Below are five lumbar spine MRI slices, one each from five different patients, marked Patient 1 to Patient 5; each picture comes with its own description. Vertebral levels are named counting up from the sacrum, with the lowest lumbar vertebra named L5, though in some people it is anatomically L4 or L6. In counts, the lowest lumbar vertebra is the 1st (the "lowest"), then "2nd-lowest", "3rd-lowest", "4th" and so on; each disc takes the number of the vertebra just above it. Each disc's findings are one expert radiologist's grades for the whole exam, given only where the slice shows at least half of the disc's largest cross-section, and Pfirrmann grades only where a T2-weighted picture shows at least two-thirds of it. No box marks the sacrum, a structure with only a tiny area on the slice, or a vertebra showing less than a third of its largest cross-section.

Patient 1 of 5:
Sex F. MRI lumbar spine (T2-weighted), sagittal plane. Slice 8 of 15. 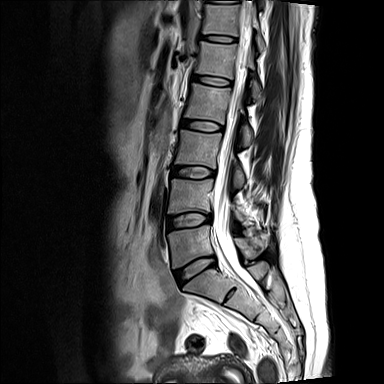

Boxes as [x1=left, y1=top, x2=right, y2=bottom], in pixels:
L5 (lowest vertebra) at [x1=168, y1=225, x2=264, y2=268], L4 (2nd-lowest vertebra) at [x1=168, y1=179, x2=248, y2=224], L3 (3rd-lowest vertebra) at [x1=175, y1=130, x2=244, y2=186], L1 (5th vertebra) at [x1=195, y1=41, x2=260, y2=97], spinal canal at [x1=212, y1=6, x2=259, y2=294], L5/S1 (lowest disc) at [x1=174, y1=256, x2=214, y2=284], disc L3/L4 (3rd-lowest disc) at [x1=173, y1=166, x2=214, y2=178], L1/L2 (5th disc) at [x1=193, y1=76, x2=230, y2=85], L2 (4th vertebra) at [x1=184, y1=83, x2=252, y2=145], disc L2/L3 (4th disc) at [x1=181, y1=120, x2=222, y2=131], L4/L5 (2nd-lowest disc) at [x1=168, y1=213, x2=211, y2=228], T12 (6th vertebra) at [x1=203, y1=5, x2=265, y2=50], disc T12/L1 (6th disc) at [x1=201, y1=35, x2=235, y2=42].

Expert MSK radiologist gradings (per disc):
• L2/L3 (4th disc): Pfirrmann grade 1
• L4/L5 (2nd-lowest disc): Pfirrmann grade 2, Modic type II, disc bulging
• L3/L4 (3rd-lowest disc): Pfirrmann grade 1
• L1/L2 (5th disc): Pfirrmann grade 1
• L5/S1 (lowest disc): Pfirrmann grade 1, disc bulging
• T12/L1 (6th disc): Pfirrmann grade 1

Patient 2 of 5:
Image 512x640, Sex M, Lumbar spine MR, T2 SPACE (3D), sagittal

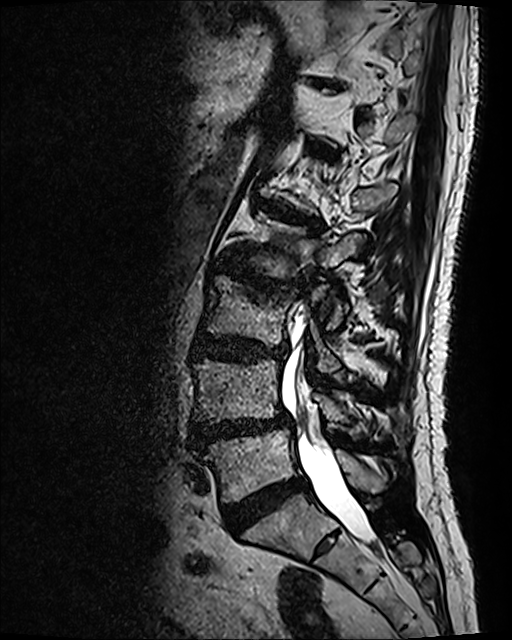

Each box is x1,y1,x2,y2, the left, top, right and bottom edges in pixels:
5th disc = 259,200,322,229 | 2nd-lowest vertebra = 192,358,368,432 | lowest disc = 223,474,308,530 | 3rd-lowest vertebra = 204,276,340,371 | 3rd-lowest disc = 193,334,286,361 | 4th vertebra = 244,211,362,328 | spinal canal = 281,316,375,543 | 2nd-lowest disc = 190,412,291,448 | lowest vertebra = 201,428,385,501 | 6th disc = 315,146,329,154 | 4th disc = 219,261,299,289

Radiological gradings:
- lowest disc: Pfirrmann grade 4
- 2nd-lowest disc: Pfirrmann grade 4, disc bulging, Modic type II, disc herniation, disc narrowing, upper-endplate change, lower-endplate change, spondylolisthesis
- 3rd-lowest disc: Pfirrmann grade 4, upper-endplate change, lower-endplate change, disc bulging
- 4th disc: lower-endplate change, disc bulging, upper-endplate change, Modic type I, disc narrowing
- 5th disc: Modic type II, disc bulging, upper-endplate change, lower-endplate change

Patient 3 of 5:
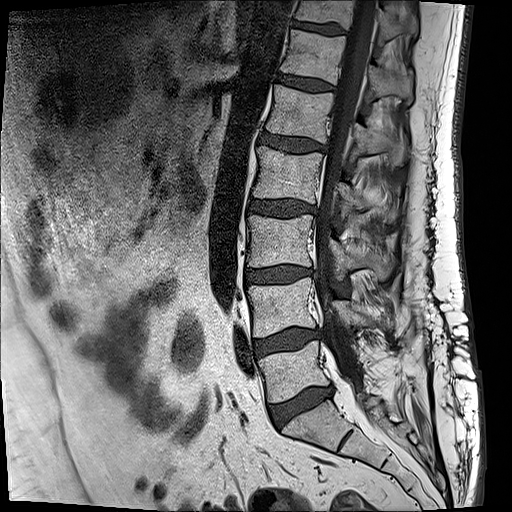 Image 512x512, MRI lumbar spine (T1-weighted), sagittal plane

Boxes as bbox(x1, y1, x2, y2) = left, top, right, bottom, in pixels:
L2: bbox(253, 146, 403, 223)
L5/S1: bbox(270, 387, 331, 425)
L5 vertebra: bbox(259, 339, 398, 402)
disc T11/T12: bbox(292, 19, 343, 34)
disc T12/L1: bbox(278, 75, 333, 90)
T11 vertebra: bbox(293, 0, 417, 43)
L2/L3: bbox(249, 198, 314, 217)
disc L1/L2: bbox(256, 131, 322, 152)
spinal canal: bbox(307, 0, 375, 395)
L3 vertebra: bbox(247, 214, 394, 279)
L1: bbox(266, 84, 407, 167)
disc L4/L5: bbox(254, 328, 317, 355)
L3/L4: bbox(246, 265, 309, 283)
L4: bbox(247, 278, 374, 337)
T12: bbox(280, 30, 413, 104)

Degenerative findings by level:
  L3/L4: Modic type II, disc bulging
  L4/L5: disc bulging, Modic type II
  L1/L2: disc bulging
  L5/S1: Modic type II, disc bulging, disc narrowing
  L2/L3: disc bulging
  T12/L1, T11/T12: no spondylolisthesis, narrowing, bulging, herniation, Modic or endplate change recorded

Patient 4 of 5:
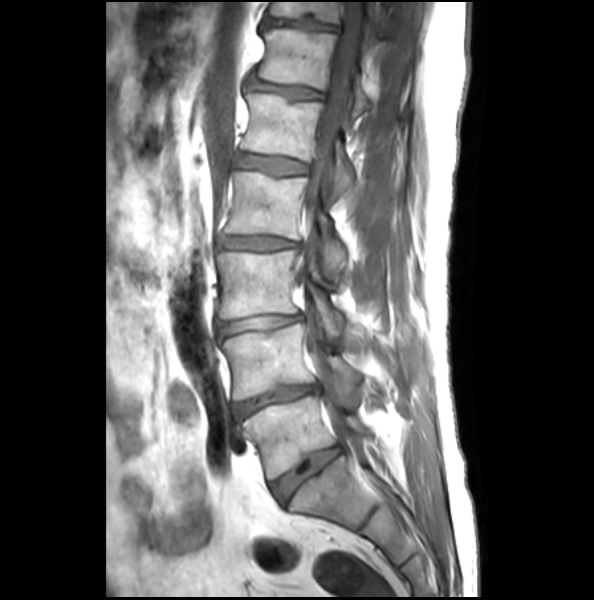 T1-weighted sagittal MRI of the lumbar spine; Slice 13 of 28

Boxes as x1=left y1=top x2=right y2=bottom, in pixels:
T12 vertebra: x1=257 y1=29 x2=372 y2=114.
L4: x1=221 y1=324 x2=365 y2=401.
L1 vertebra: x1=241 y1=94 x2=354 y2=199.
Thecal sac / spinal canal: x1=296 y1=3 x2=365 y2=440.
L3/L4: x1=219 y1=314 x2=301 y2=336.
L5 vertebra: x1=241 y1=395 x2=376 y2=480.
IVD L5/S1: x1=272 y1=446 x2=341 y2=503.
IVD L1/L2: x1=237 y1=155 x2=307 y2=175.
L2: x1=225 y1=171 x2=346 y2=275.
T11: x1=270 y1=3 x2=386 y2=34.
IVD T12/L1: x1=249 y1=81 x2=321 y2=99.
IVD L4/L5: x1=232 y1=384 x2=320 y2=421.
IVD L2/L3: x1=220 y1=236 x2=296 y2=250.
L3: x1=217 y1=250 x2=345 y2=336.
IVD T11/T12: x1=264 y1=19 x2=338 y2=30.

Degenerative findings by level:
- L1/L2: upper-endplate change
- T11/T12: upper-endplate change, disc bulging, lower-endplate change
- L2/L3: disc bulging, disc narrowing
- L4/L5: disc bulging, lower-endplate change, disc narrowing
- L3/L4: disc narrowing, disc bulging
- T12/L1: disc bulging, upper-endplate change
- L5/S1: lower-endplate change, upper-endplate change

Patient 5 of 5:
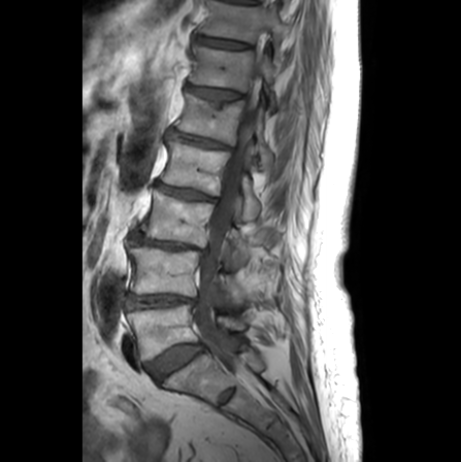 MRI lumbar spine (T1-weighted), sagittal plane | Slice 11 of 24
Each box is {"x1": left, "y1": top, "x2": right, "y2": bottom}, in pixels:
intervertebral disc L3/L4 (3rd-lowest disc): {"x1": 129, "y1": 230, "x2": 205, "y2": 253}
L2/L3 (4th disc): {"x1": 157, "y1": 181, "x2": 216, "y2": 200}
T12/L1 (6th disc): {"x1": 188, "y1": 85, "x2": 240, "y2": 100}
L3 (3rd-lowest vertebra): {"x1": 139, "y1": 188, "x2": 250, "y2": 263}
intervertebral disc T11/T12 (7th disc): {"x1": 196, "y1": 36, "x2": 249, "y2": 48}
intervertebral disc L1/L2 (5th disc): {"x1": 168, "y1": 130, "x2": 229, "y2": 148}
thecal sac / spinal canal: {"x1": 194, "y1": 64, "x2": 261, "y2": 372}
L1 (5th vertebra): {"x1": 175, "y1": 93, "x2": 272, "y2": 169}
L2 (4th vertebra): {"x1": 160, "y1": 141, "x2": 260, "y2": 220}
L4 (2nd-lowest vertebra): {"x1": 129, "y1": 246, "x2": 243, "y2": 303}
L4/L5 (2nd-lowest disc): {"x1": 126, "y1": 293, "x2": 193, "y2": 308}
L5/S1 (lowest disc): {"x1": 145, "y1": 343, "x2": 204, "y2": 380}
T11 (7th vertebra): {"x1": 200, "y1": 0, "x2": 288, "y2": 58}
L5 (lowest vertebra): {"x1": 127, "y1": 302, "x2": 243, "y2": 359}
T12 (6th vertebra): {"x1": 190, "y1": 45, "x2": 279, "y2": 111}

Degenerative findings by level:
  L4/L5 (2nd-lowest disc): disc narrowing, Modic type II
  L1/L2 (5th disc): upper-endplate change, disc narrowing, lower-endplate change, disc bulging
  L3/L4 (3rd-lowest disc): disc narrowing, lower-endplate change, Modic type II, upper-endplate change
  T12/L1 (6th disc): upper-endplate change
  L5/S1 (lowest disc): Modic type II
  L2/L3 (4th disc): upper-endplate change, lower-endplate change, disc narrowing
  T11/T12 (7th disc): no herniation, bulging, narrowing, spondylolisthesis, endplate or Modic change recorded